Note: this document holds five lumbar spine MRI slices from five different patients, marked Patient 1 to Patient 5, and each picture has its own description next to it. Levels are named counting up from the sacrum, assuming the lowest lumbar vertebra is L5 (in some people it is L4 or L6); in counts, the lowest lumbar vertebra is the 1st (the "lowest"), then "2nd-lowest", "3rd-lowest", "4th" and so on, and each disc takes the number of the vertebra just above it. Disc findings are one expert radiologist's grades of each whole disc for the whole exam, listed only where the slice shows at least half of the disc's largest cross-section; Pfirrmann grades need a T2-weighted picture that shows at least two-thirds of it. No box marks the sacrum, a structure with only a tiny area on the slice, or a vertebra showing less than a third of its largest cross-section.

Patient 1 of 5:
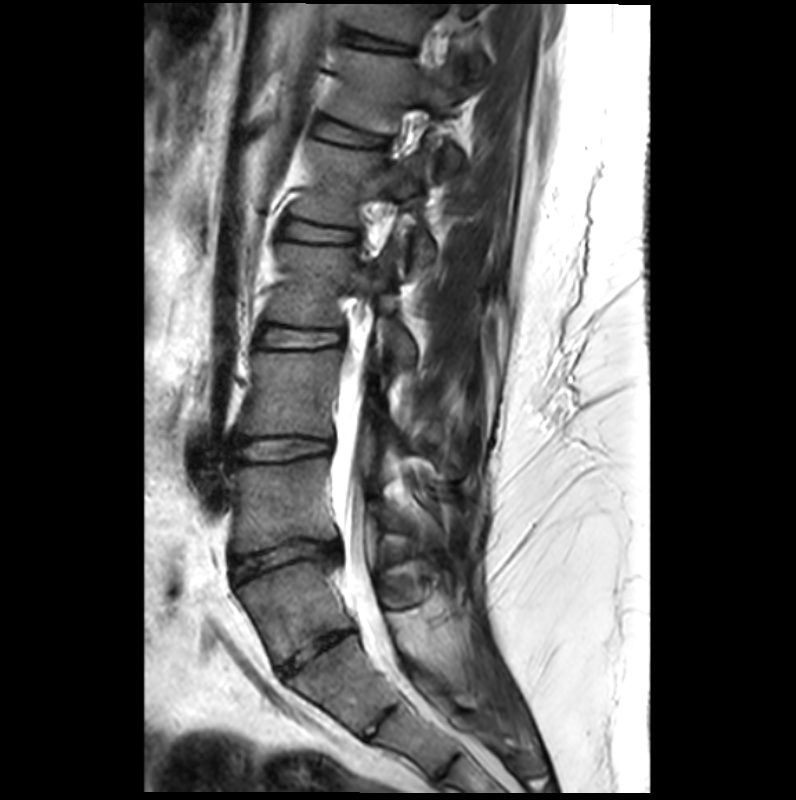

MRI lumbar spine (T2-weighted), sagittal plane; Slice spacing 3.4 mm

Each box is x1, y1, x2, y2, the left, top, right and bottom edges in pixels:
Annotations:
- IVD L1/L2: 281, 222, 356, 241
- L3/L4: 232, 438, 331, 461
- spinal canal: 335, 380, 388, 643
- L3 vertebra: 239, 349, 402, 448
- IVD T12/L1: 317, 123, 384, 144
- L4: 231, 456, 404, 552
- L5 vertebra: 238, 559, 411, 666
- L4/L5: 232, 541, 338, 580
- T12: 329, 48, 463, 181
- L2 vertebra: 268, 242, 414, 363
- L1 vertebra: 292, 141, 434, 268
- L2/L3: 256, 327, 341, 347
- T11 vertebra: 349, 5, 485, 80
- T11/T12: 346, 32, 403, 49
- IVD L5/S1: 281, 632, 353, 676

Expert MSK radiologist gradings (per disc):
• L3/L4: Pfirrmann grade 2
• L4/L5: Pfirrmann grade 3, lower-endplate change, disc herniation, upper-endplate change, spondylolisthesis, Modic type III, disc narrowing
• L5/S1: Pfirrmann grade 3, disc narrowing
• L2/L3: no herniation, bulging, narrowing, spondylolisthesis, endplate or Modic change recorded

Patient 2 of 5:
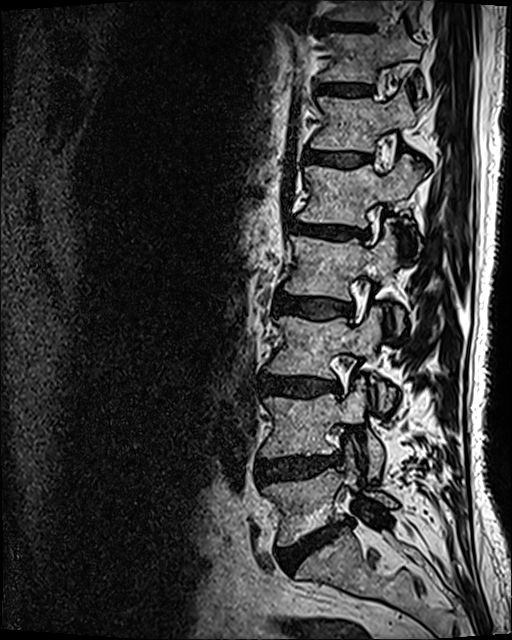 Sex M, Slice 80/120, Sagittal T2 SPACE (3D) lumbar spine MRI
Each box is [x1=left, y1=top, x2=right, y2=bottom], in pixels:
Annotations:
- 3rd-lowest disc at [x1=259, y1=374, x2=339, y2=396]
- lowest vertebra at [x1=263, y1=462, x2=396, y2=545]
- 8th disc at [x1=320, y1=21, x2=372, y2=30]
- 5th vertebra at [x1=298, y1=155, x2=422, y2=227]
- 7th disc at [x1=316, y1=84, x2=371, y2=94]
- 6th disc at [x1=306, y1=152, x2=368, y2=166]
- 8th vertebra at [x1=328, y1=0, x2=416, y2=26]
- 2nd-lowest vertebra at [x1=261, y1=379, x2=383, y2=477]
- 7th vertebra at [x1=318, y1=29, x2=421, y2=98]
- 4th disc at [x1=274, y1=293, x2=348, y2=319]
- 4th vertebra at [x1=284, y1=230, x2=404, y2=333]
- 3rd-lowest vertebra at [x1=266, y1=306, x2=391, y2=410]
- 2nd-lowest disc at [x1=257, y1=454, x2=340, y2=484]
- 5th disc at [x1=290, y1=221, x2=360, y2=238]
- lowest disc at [x1=277, y1=521, x2=348, y2=572]
- 6th vertebra at [x1=310, y1=88, x2=415, y2=152]

Degenerative findings by level:
  6th disc: Pfirrmann grade 3
  5th disc: disc narrowing, upper-endplate change, disc bulging, Modic type II, lower-endplate change
  3rd-lowest disc: Pfirrmann grade 4, disc bulging, disc narrowing, Modic type II, lower-endplate change
  lowest disc: Pfirrmann grade 5, lower-endplate change, disc bulging, disc narrowing, Modic type II
  7th disc: Pfirrmann grade 3
  4th disc: Pfirrmann grade 3, disc bulging
  2nd-lowest disc: Pfirrmann grade 4, disc herniation, disc bulging

Patient 3 of 5:
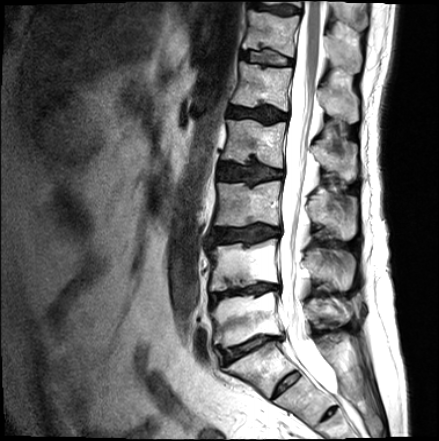 Slice 9/16. Sagittal T2-weighted lumbar spine MRI. Slice spacing 4.4 mm. Sex M.
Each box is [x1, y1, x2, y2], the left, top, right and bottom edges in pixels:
Segmented structures:
• L5 (lowest vertebra): [211, 292, 352, 347]
• IVD T12/L1 (6th disc): [241, 50, 292, 64]
• IVD L5/S1 (lowest disc): [219, 336, 283, 365]
• L1/L2 (5th disc): [229, 106, 286, 123]
• L3 (3rd-lowest vertebra): [214, 180, 356, 239]
• thecal sac / spinal canal: [279, 0, 329, 389]
• L4/L5 (2nd-lowest disc): [210, 283, 277, 304]
• IVD L3/L4 (3rd-lowest disc): [211, 224, 279, 244]
• L1 (5th vertebra): [231, 61, 358, 122]
• T11/T12 (7th disc): [249, 2, 299, 14]
• L2/L3 (4th disc): [219, 163, 283, 182]
• L2 (4th vertebra): [221, 119, 357, 179]
• L4 (2nd-lowest vertebra): [209, 238, 355, 292]
• T11 (7th vertebra): [265, 1, 367, 29]
• T12 (6th vertebra): [243, 10, 362, 71]

Per-level radiological findings:
• L2/L3 (4th disc): Pfirrmann grade 3, upper-endplate change, lower-endplate change
• T11/T12 (7th disc): Pfirrmann grade 3
• L1/L2 (5th disc): Pfirrmann grade 3, lower-endplate change, upper-endplate change
• L4/L5 (2nd-lowest disc): Pfirrmann grade 5, upper-endplate change, disc bulging, Modic type II, disc narrowing, lower-endplate change
• T12/L1 (6th disc): Pfirrmann grade 2, upper-endplate change, lower-endplate change
• L3/L4 (3rd-lowest disc): Pfirrmann grade 3, lower-endplate change, upper-endplate change, disc bulging
• L5/S1 (lowest disc): Pfirrmann grade 4, Modic type II, upper-endplate change, disc narrowing, disc bulging, lower-endplate change

Patient 4 of 5:
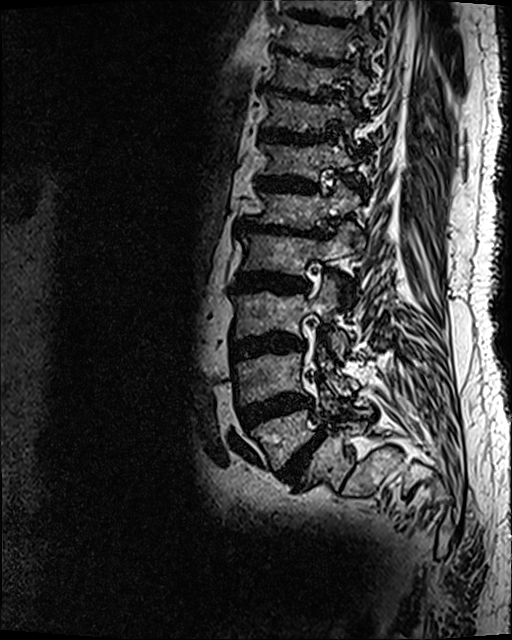

Slice 48 of 120; Field of view 240x300 mm; T2 SPACE (3D) sagittal MRI of the lumbar spine; Image 512x640
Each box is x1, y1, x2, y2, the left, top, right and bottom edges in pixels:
9th disc: 274, 45, 341, 67
6th vertebra: 260, 136, 364, 186
4th disc: 234, 272, 309, 294
3rd-lowest vertebra: 230, 275, 347, 358
8th disc: 259, 83, 332, 102
6th disc: 256, 175, 317, 193
lowest disc: 278, 429, 325, 486
2nd-lowest vertebra: 233, 337, 358, 406
5th disc: 237, 217, 325, 238
4th vertebra: 239, 221, 365, 278
7th vertebra: 263, 91, 356, 131
2nd-lowest disc: 237, 393, 314, 429
7th disc: 259, 128, 329, 143
lowest vertebra: 250, 378, 372, 470
8th vertebra: 265, 53, 368, 106
5th vertebra: 247, 177, 363, 229
3rd-lowest disc: 231, 332, 304, 361

Radiological gradings:
- lowest disc: Pfirrmann grade 5, disc narrowing, upper-endplate change, disc bulging, spondylolisthesis, Modic type II, lower-endplate change
- 7th disc: Pfirrmann grade 5, Modic type II, disc narrowing, upper-endplate change, lower-endplate change, disc bulging
- 9th disc: disc bulging, lower-endplate change, upper-endplate change, disc narrowing, Modic type II
- 4th disc: Pfirrmann grade 5, upper-endplate change, disc bulging, Modic type II, lower-endplate change, disc narrowing
- 3rd-lowest disc: Pfirrmann grade 5, disc narrowing, upper-endplate change, disc bulging, Modic type II, lower-endplate change
- 2nd-lowest disc: Pfirrmann grade 5, disc narrowing, disc bulging, Modic type II, upper-endplate change, lower-endplate change
- 5th disc: lower-endplate change, Modic type II, disc bulging, upper-endplate change, disc narrowing
- 6th disc: Pfirrmann grade 5, upper-endplate change, lower-endplate change, disc bulging, Modic type II, disc narrowing

Patient 5 of 5:
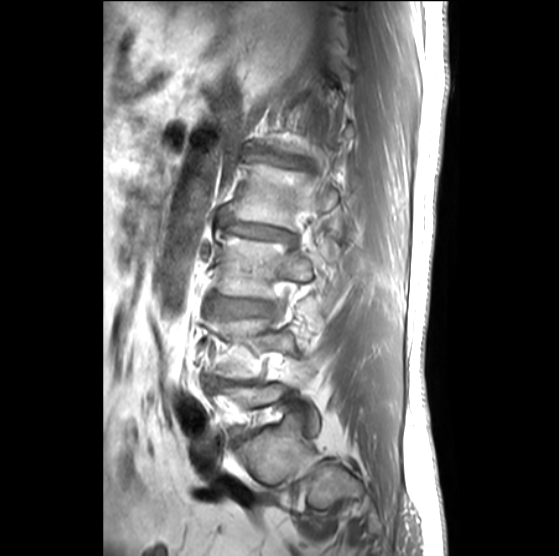

559x556 px. MRI lumbar spine (T1-weighted), sagittal plane.
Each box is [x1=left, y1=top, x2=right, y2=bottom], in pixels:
3rd-lowest vertebra at [x1=216, y1=228, x2=313, y2=297], 4th vertebra at [x1=235, y1=158, x2=340, y2=229], 4th disc at [x1=222, y1=218, x2=295, y2=244], 3rd-lowest disc at [x1=214, y1=296, x2=270, y2=316], 2nd-lowest vertebra at [x1=211, y1=316, x2=295, y2=377], 2nd-lowest disc at [x1=212, y1=379, x2=254, y2=384], 5th disc at [x1=246, y1=152, x2=304, y2=168].

Expert MSK radiologist gradings (per disc):
- 4th disc: disc bulging, upper-endplate change, Modic type II, disc narrowing, lower-endplate change
- 5th disc: upper-endplate change, disc bulging, disc narrowing, lower-endplate change, Modic type III
- 3rd-lowest disc: disc bulging